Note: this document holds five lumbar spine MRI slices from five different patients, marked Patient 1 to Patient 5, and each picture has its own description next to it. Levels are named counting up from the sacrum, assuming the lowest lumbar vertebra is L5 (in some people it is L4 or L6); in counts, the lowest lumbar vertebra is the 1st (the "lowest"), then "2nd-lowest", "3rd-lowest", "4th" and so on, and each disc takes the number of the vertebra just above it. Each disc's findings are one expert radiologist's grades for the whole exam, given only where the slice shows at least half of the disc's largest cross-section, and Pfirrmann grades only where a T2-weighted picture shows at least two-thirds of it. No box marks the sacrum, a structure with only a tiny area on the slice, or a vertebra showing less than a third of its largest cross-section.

Patient 1 of 5:
448x448 px | T2-weighted sagittal MRI of the lumbar spine | Sex F
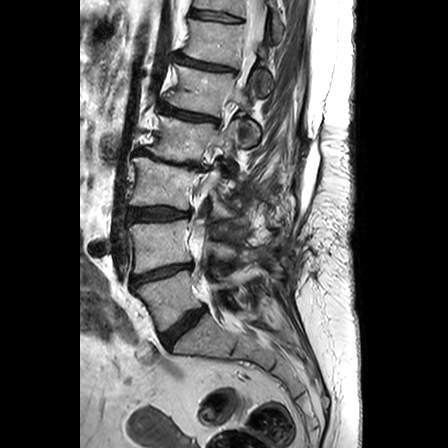

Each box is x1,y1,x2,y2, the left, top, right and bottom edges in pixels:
L5/S1 at 161,307,205,347; spinal canal at 192,0,265,263; L1 at 168,64,259,146; disc L2/L3 at 136,149,203,169; disc L3/L4 at 129,207,189,220; disc L1/L2 at 161,104,216,121; L2 vertebra at 146,116,241,173; T11/T12 at 192,10,239,21; L3 at 130,157,238,217; T11 at 194,0,282,37; T12 at 183,19,272,95; disc L4/L5 at 131,263,192,285; T12/L1 at 176,54,233,71; L5 vertebra at 135,270,236,330; L4 at 128,219,235,273.

Degenerative findings by level:
• T11/T12: Pfirrmann grade 1
• L1/L2: Pfirrmann grade 3, Modic type II, disc narrowing
• L5/S1: Pfirrmann grade 3, disc bulging
• L4/L5: Pfirrmann grade 4, disc narrowing, disc bulging
• T12/L1: Pfirrmann grade 3, disc narrowing
• L3/L4: Pfirrmann grade 3, disc bulging

Patient 2 of 5:
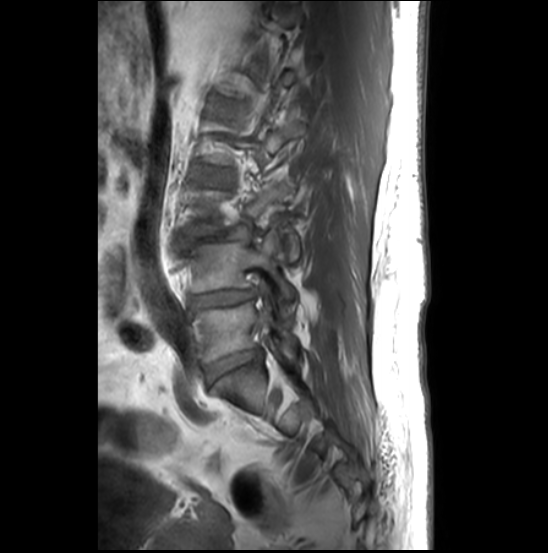

Field of view 280x282 mm; T1-weighted sagittal MRI of the lumbar spine
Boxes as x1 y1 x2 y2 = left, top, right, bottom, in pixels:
L3 (3rd-lowest vertebra) at 184 182 300 262, L5 (lowest vertebra) at 193 302 298 361, L4/L5 (2nd-lowest disc) at 191 289 256 309, disc L5/S1 (lowest disc) at 206 349 262 382, L4 (2nd-lowest vertebra) at 180 231 295 301, L3/L4 (3rd-lowest disc) at 180 227 252 246, L2/L3 (4th disc) at 203 169 230 186.

Expert MSK radiologist gradings (per disc):
• L4/L5 (2nd-lowest disc): disc bulging, disc narrowing, upper-endplate change, Modic type II, lower-endplate change
• L5/S1 (lowest disc): disc narrowing, disc bulging, Modic type II, upper-endplate change, lower-endplate change
• L3/L4 (3rd-lowest disc): disc herniation, Modic type II, spondylolisthesis, lower-endplate change, upper-endplate change, disc narrowing

Patient 3 of 5:
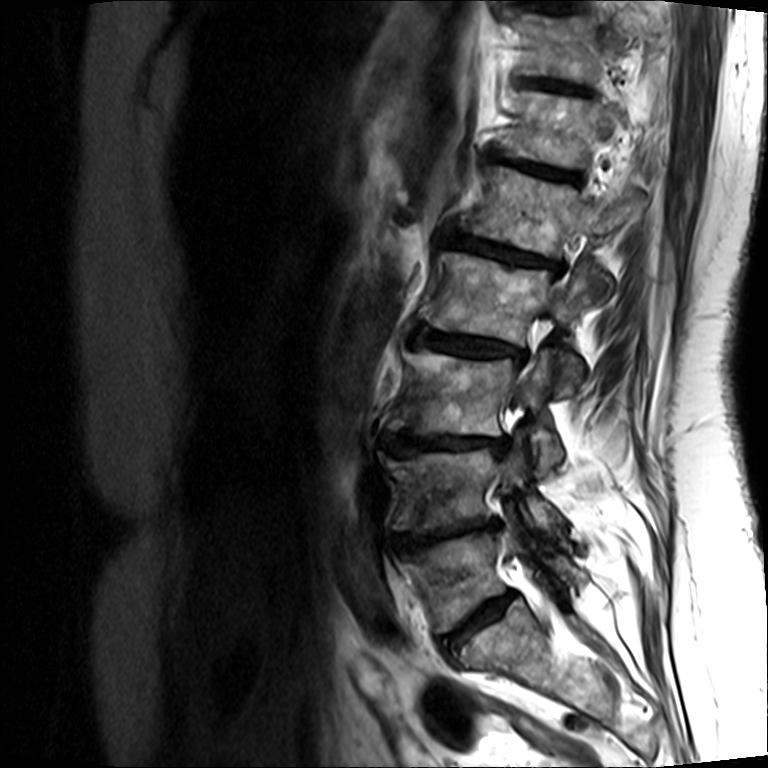 Sagittal T2-weighted lumbar spine MRI, Image 768x768
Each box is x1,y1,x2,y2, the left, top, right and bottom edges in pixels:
7th disc at 531,78,589,92; 5th disc at 445,228,563,273; 5th vertebra at 459,164,648,292; 2nd-lowest disc at 395,518,501,550; 6th vertebra at 497,89,643,166; 3rd-lowest disc at 390,429,510,454; 4th vertebra at 420,251,596,395; 6th disc at 489,148,584,181; 2nd-lowest vertebra at 388,447,560,534; 4th disc at 411,323,524,359; lowest vertebra at 405,518,587,631; lowest disc at 441,592,516,656; 7th vertebra at 524,12,668,81; 3rd-lowest vertebra at 392,348,564,474.

Radiological gradings:
  4th disc: Pfirrmann grade 3, disc narrowing, lower-endplate change, Modic type II, disc bulging, upper-endplate change
  3rd-lowest disc: Pfirrmann grade 5, Modic type II, disc herniation, disc narrowing, lower-endplate change, upper-endplate change
  5th disc: Pfirrmann grade 4, upper-endplate change, Modic type II, disc bulging, lower-endplate change, disc narrowing
  6th disc: Pfirrmann grade 5, disc narrowing, upper-endplate change, lower-endplate change, Modic type II, disc bulging
  2nd-lowest disc: Pfirrmann grade 5, disc herniation, Modic type II, disc narrowing, upper-endplate change, lower-endplate change
  lowest disc: Pfirrmann grade 3, upper-endplate change, Modic type II, disc narrowing, disc bulging, lower-endplate change

Patient 4 of 5:
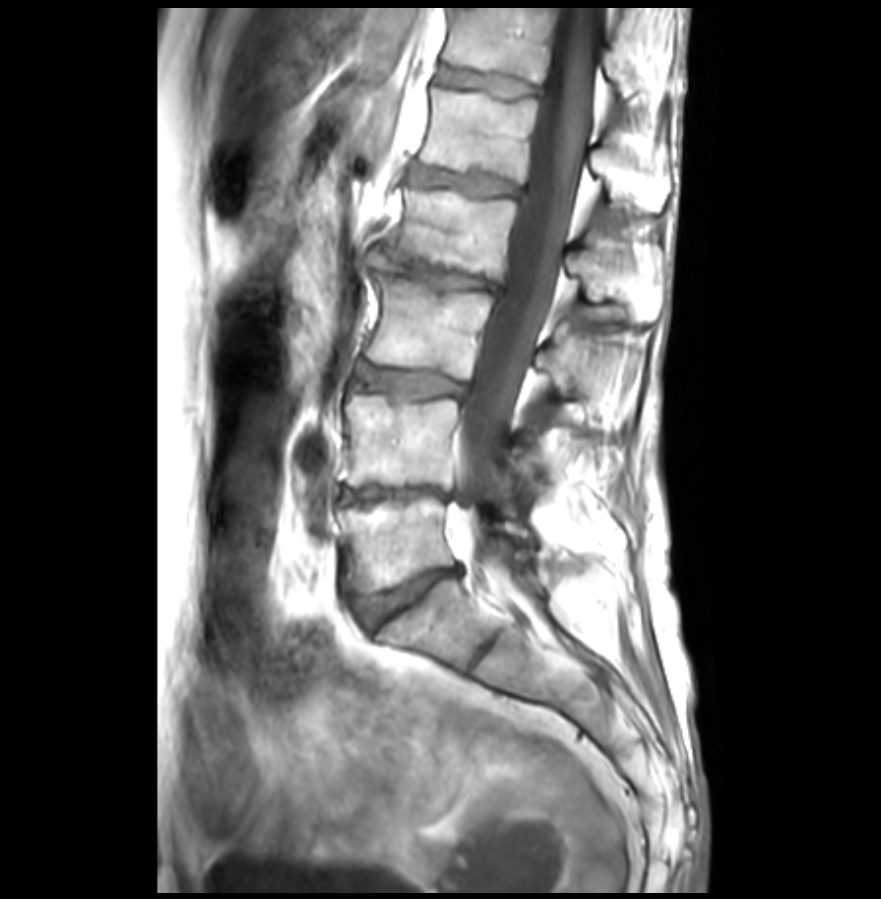 Sagittal slice index 16, MRI lumbar spine (T1-weighted), sagittal plane, Sex F
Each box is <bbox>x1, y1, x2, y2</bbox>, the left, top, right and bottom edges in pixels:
Spinal canal = <bbox>454, 7, 599, 562</bbox>.
L5 vertebra = <bbox>338, 495, 536, 592</bbox>.
L3 vertebra = <bbox>368, 274, 591, 394</bbox>.
T12 = <bbox>445, 7, 676, 97</bbox>.
L3/L4 = <bbox>360, 364, 465, 396</bbox>.
L1 vertebra = <bbox>421, 88, 670, 210</bbox>.
L2/L3 = <bbox>368, 249, 503, 295</bbox>.
T12/L1 = <bbox>439, 67, 544, 97</bbox>.
L4 vertebra = <bbox>342, 393, 534, 486</bbox>.
L2 vertebra = <bbox>380, 190, 662, 321</bbox>.
L5/S1 = <bbox>362, 569, 459, 624</bbox>.
Disc L1/L2 = <bbox>413, 168, 520, 196</bbox>.
Disc L4/L5 = <bbox>338, 484, 451, 505</bbox>.

Expert MSK radiologist gradings (per disc):
• L2/L3: Modic type II, disc herniation, lower-endplate change, disc narrowing, upper-endplate change, disc bulging
• T12/L1: lower-endplate change, upper-endplate change
• L3/L4: Modic type II, disc bulging
• L4/L5: disc narrowing, disc bulging, Modic type II
• L1/L2: upper-endplate change, lower-endplate change, Modic type II
• L5/S1: upper-endplate change, disc bulging, disc narrowing, lower-endplate change

Patient 5 of 5:
Lumbar spine MR, T2-weighted, sagittal, Field of view 280x280 mm 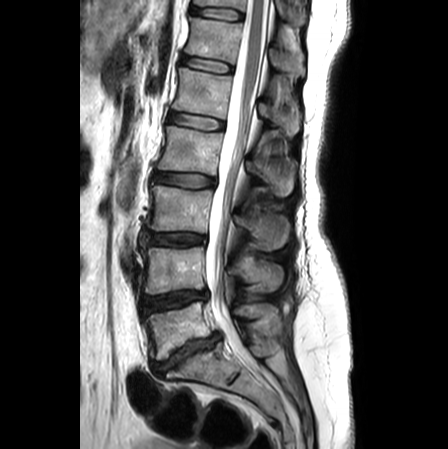

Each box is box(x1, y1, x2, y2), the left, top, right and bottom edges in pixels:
T12 vertebra: box(185, 17, 305, 77)
T11 vertebra: box(194, 0, 305, 25)
T11/T12: box(191, 7, 242, 19)
L1/L2: box(169, 113, 223, 129)
IVD L5/S1: box(151, 332, 220, 375)
L2 vertebra: box(158, 126, 296, 196)
L5 vertebra: box(145, 300, 272, 360)
L2/L3: box(153, 173, 214, 188)
L1 vertebra: box(172, 68, 301, 135)
spinal canal: box(205, 0, 270, 357)
IVD T12/L1: box(181, 55, 232, 72)
L3: box(146, 184, 289, 250)
IVD L4/L5: box(143, 290, 207, 313)
L3/L4: box(142, 233, 205, 245)
L4 vertebra: box(141, 247, 283, 294)

Degenerative findings by level:
  L1/L2: Pfirrmann grade 1
  L5/S1: Pfirrmann grade 5, Modic type II, lower-endplate change, disc narrowing, disc herniation, upper-endplate change
  T12/L1: Pfirrmann grade 1
  L3/L4: Pfirrmann grade 3, disc bulging
  L4/L5: Pfirrmann grade 4, disc narrowing, disc bulging
  L2/L3: Pfirrmann grade 2, disc bulging
  T11/T12: Pfirrmann grade 1